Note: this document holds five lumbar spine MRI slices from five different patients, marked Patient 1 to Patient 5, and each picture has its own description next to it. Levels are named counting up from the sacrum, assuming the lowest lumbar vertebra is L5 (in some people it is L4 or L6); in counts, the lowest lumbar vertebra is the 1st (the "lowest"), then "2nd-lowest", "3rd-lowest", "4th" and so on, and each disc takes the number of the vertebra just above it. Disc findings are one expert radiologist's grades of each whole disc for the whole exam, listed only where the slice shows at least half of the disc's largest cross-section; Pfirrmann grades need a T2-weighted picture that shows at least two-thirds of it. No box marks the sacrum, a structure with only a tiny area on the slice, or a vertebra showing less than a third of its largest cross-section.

Patient 1 of 5:
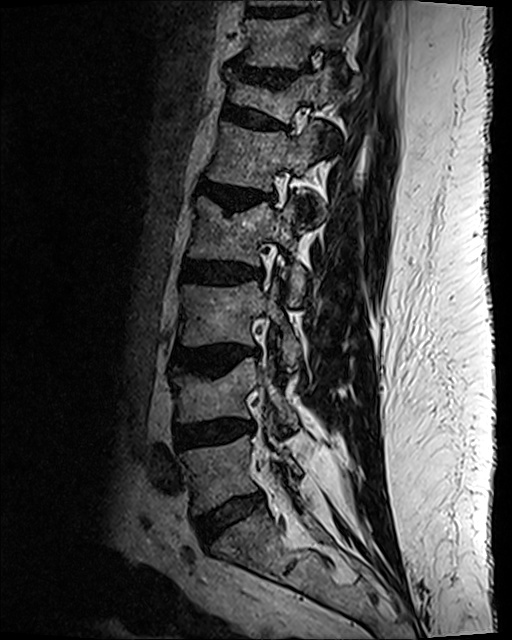 Patient sex: M. Sagittal T2 SPACE (3D) lumbar spine MRI.
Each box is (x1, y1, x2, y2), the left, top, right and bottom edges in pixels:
Structures:
- 5th disc: (199, 181, 263, 210)
- 3rd-lowest disc: (176, 346, 258, 373)
- 2nd-lowest vertebra: (171, 358, 298, 428)
- 8th disc: (252, 10, 298, 17)
- 7th disc: (229, 66, 307, 88)
- 7th vertebra: (245, 14, 344, 72)
- 3rd-lowest vertebra: (180, 281, 300, 371)
- 5th vertebra: (209, 123, 322, 192)
- 6th disc: (224, 106, 283, 129)
- lowest disc: (196, 492, 263, 541)
- 4th disc: (181, 260, 263, 284)
- 4th vertebra: (190, 198, 304, 305)
- 6th vertebra: (229, 65, 341, 122)
- 2nd-lowest disc: (175, 421, 249, 447)
- lowest vertebra: (183, 435, 300, 514)

Degenerative findings by level:
• 5th disc: Pfirrmann grade 3, Modic type II, upper-endplate change, disc narrowing, lower-endplate change, disc bulging
• 6th disc: disc bulging, lower-endplate change, upper-endplate change, spondylolisthesis
• lowest disc: Pfirrmann grade 2, disc bulging
• 7th disc: Pfirrmann grade 2, lower-endplate change, disc bulging, disc narrowing, upper-endplate change
• 2nd-lowest disc: Pfirrmann grade 3, disc bulging, disc narrowing
• 3rd-lowest disc: Pfirrmann grade 3, disc bulging, upper-endplate change, Modic type II, lower-endplate change
• 4th disc: Pfirrmann grade 3, disc bulging, lower-endplate change

Patient 2 of 5:
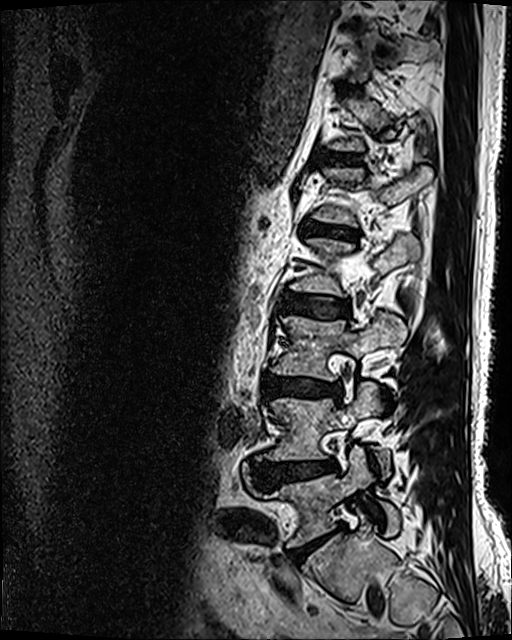

Lumbar spine MR, T2 SPACE (3D), sagittal; Sex M
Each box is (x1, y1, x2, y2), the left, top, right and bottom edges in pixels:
3rd-lowest vertebra at (271, 313, 407, 380), 6th disc at (327, 155, 355, 164), 3rd-lowest disc at (265, 376, 341, 398), lowest vertebra at (259, 447, 399, 547), 2nd-lowest disc at (253, 460, 336, 486), 2nd-lowest vertebra at (266, 381, 390, 477), 5th disc at (303, 222, 355, 238), lowest disc at (291, 529, 339, 561), 4th disc at (280, 292, 349, 316).

Degenerative findings by level:
• 2nd-lowest disc: disc bulging, disc herniation
• 3rd-lowest disc: Pfirrmann grade 4, disc narrowing, Modic type II, lower-endplate change, disc bulging
• 5th disc: disc bulging, upper-endplate change, lower-endplate change, disc narrowing, Modic type II
• 4th disc: Pfirrmann grade 3, disc bulging

Patient 3 of 5:
Slice 74 of 120, Lumbar spine MR, T2 SPACE (3D), sagittal, Field of view 240x300 mm, 512x640 px 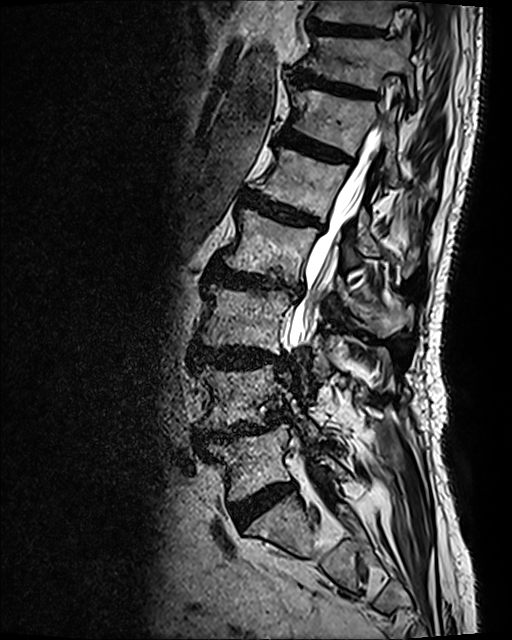 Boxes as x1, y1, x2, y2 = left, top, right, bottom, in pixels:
{"T10 vertebra": "312, 0, 426, 45", "T12": "289, 87, 399, 188", "T11 vertebra": "304, 34, 413, 98", "L4/L5": "196, 414, 280, 444", "thecal sac / spinal canal": "287, 130, 382, 351", "T12/L1": "279, 129, 346, 160", "L5 vertebra": "208, 424, 346, 499", "L1 vertebra": "254, 147, 409, 273", "L2 vertebra": "223, 209, 412, 336", "L5/S1": "231, 482, 295, 526", "IVD L1/L2": "242, 193, 320, 228", "L3": "197, 284, 388, 394", "IVD T10/T11": "305, 22, 383, 39", "L4 vertebra": "196, 366, 317, 435", "IVD T11/T12": "292, 68, 376, 98", "L2/L3": "211, 266, 303, 296", "IVD L3/L4": "190, 345, 281, 368"}

Radiological gradings:
• T10/T11: Pfirrmann grade 3
• L1/L2: Pfirrmann grade 4, Modic type II, upper-endplate change, disc bulging, lower-endplate change
• L3/L4: Pfirrmann grade 4, lower-endplate change, upper-endplate change, disc bulging
• L2/L3: Pfirrmann grade 4, lower-endplate change, upper-endplate change, Modic type I, disc narrowing, disc bulging
• T11/T12: Pfirrmann grade 4, disc bulging, upper-endplate change, lower-endplate change
• T12/L1: disc bulging, lower-endplate change, Modic type II, upper-endplate change
• L5/S1: no spondylolisthesis, narrowing, bulging, herniation, Modic or endplate change recorded

Patient 4 of 5:
MRI lumbar spine (T2-weighted), sagittal plane; Image 615x613; Patient sex: F; Slice spacing 3.3 mm
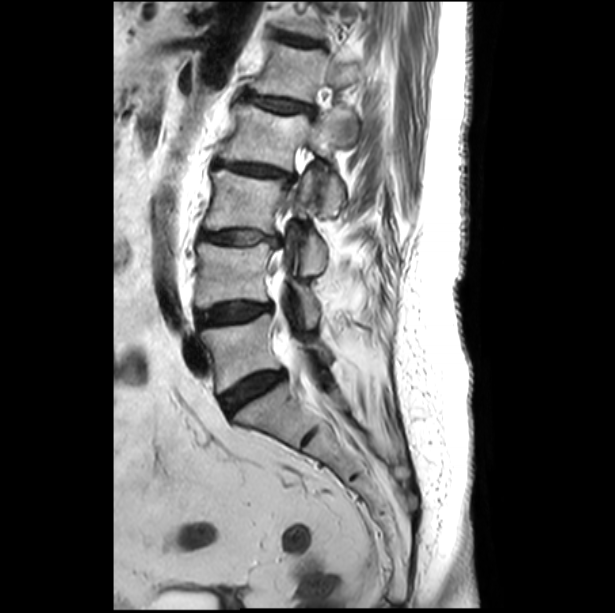 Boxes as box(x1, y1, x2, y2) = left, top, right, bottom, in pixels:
Intervertebral disc L1/L2 at box(247, 95, 312, 113).
L5/S1 at box(221, 371, 284, 415).
L1 vertebra at box(249, 42, 373, 144).
L5 vertebra at box(200, 301, 330, 393).
Intervertebral disc L2/L3 at box(214, 160, 294, 181).
Intervertebral disc L4/L5 at box(196, 302, 271, 327).
T12/L1 at box(277, 33, 317, 44).
L3 vertebra at box(204, 169, 327, 275).
L2 at box(219, 104, 347, 215).
L4 at box(195, 242, 319, 327).
L3/L4 at box(200, 231, 281, 246).

Per-level radiological findings:
- L3/L4: Pfirrmann grade 3, disc narrowing, lower-endplate change, upper-endplate change, Modic type II, disc bulging
- L5/S1: Pfirrmann grade 4, disc bulging
- L1/L2: Pfirrmann grade 3, lower-endplate change, Modic type II, disc bulging, upper-endplate change
- L4/L5: Pfirrmann grade 4, disc bulging
- L2/L3: Pfirrmann grade 3, Modic type II, disc bulging, upper-endplate change, lower-endplate change, disc narrowing

Patient 5 of 5:
MRI lumbar spine (T1-weighted), sagittal plane. Sagittal slice index 12. 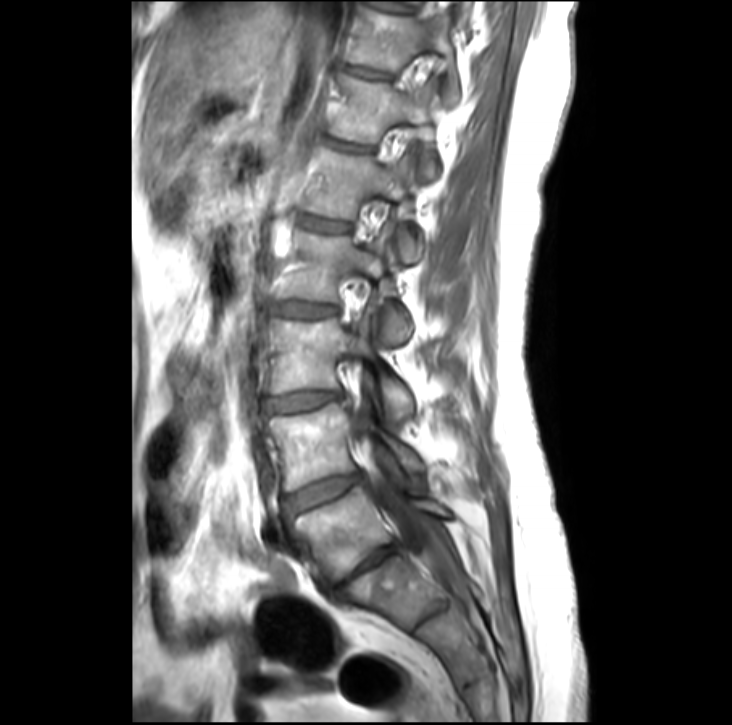

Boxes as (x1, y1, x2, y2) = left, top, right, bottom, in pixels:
L4 (2nd-lowest vertebra) = (262, 405, 424, 492).
Disc L3/L4 (3rd-lowest disc) = (268, 393, 340, 411).
T12 (6th vertebra) = (327, 76, 436, 182).
T11/T12 (7th disc) = (343, 67, 388, 79).
T11 (7th vertebra) = (341, 9, 456, 100).
Disc T12/L1 (6th disc) = (319, 137, 369, 153).
L5 (lowest vertebra) = (295, 488, 452, 584).
L5/S1 (lowest disc) = (320, 545, 398, 595).
L4/L5 (2nd-lowest disc) = (286, 475, 360, 517).
L3 (3rd-lowest vertebra) = (272, 319, 415, 426).
L1 (5th vertebra) = (296, 151, 422, 261).
Disc L2/L3 (4th disc) = (276, 303, 336, 318).
Disc L1/L2 (5th disc) = (299, 216, 349, 233).
Thecal sac / spinal canal = (353, 409, 460, 591).
L2 (4th vertebra) = (279, 230, 411, 343).

Per-level radiological findings:
  L5/S1 (lowest disc): disc bulging, Modic type II, upper-endplate change, lower-endplate change, disc narrowing
  L3/L4 (3rd-lowest disc): disc bulging
  L4/L5 (2nd-lowest disc): disc bulging
  L2/L3 (4th disc), L1/L2 (5th disc): no spondylolisthesis, narrowing, bulging, herniation, Modic or endplate change recorded